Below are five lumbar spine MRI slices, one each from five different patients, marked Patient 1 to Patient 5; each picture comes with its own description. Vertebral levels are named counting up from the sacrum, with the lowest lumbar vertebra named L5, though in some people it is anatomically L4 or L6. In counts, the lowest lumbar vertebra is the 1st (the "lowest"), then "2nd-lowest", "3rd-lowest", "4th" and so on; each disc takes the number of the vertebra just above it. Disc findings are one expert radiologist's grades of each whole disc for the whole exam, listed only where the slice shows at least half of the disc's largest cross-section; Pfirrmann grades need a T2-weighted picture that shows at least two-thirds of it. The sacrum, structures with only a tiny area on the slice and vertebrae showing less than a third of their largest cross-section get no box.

Patient 1 of 5:
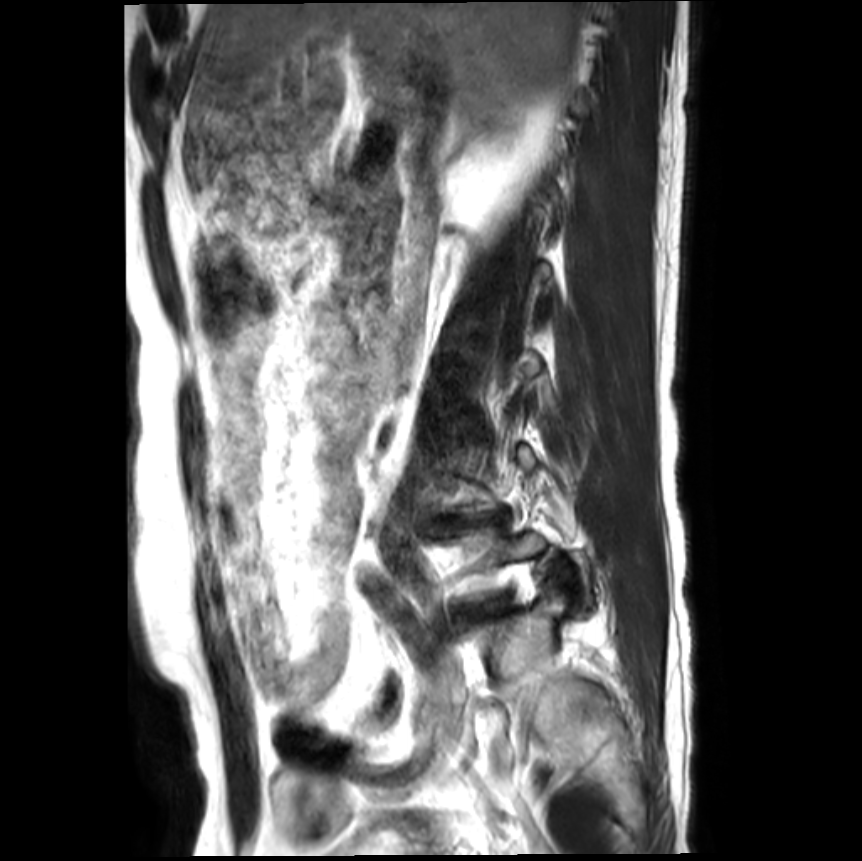 Slice 5 of 20; Lumbar spine MR, T2-weighted, sagittal
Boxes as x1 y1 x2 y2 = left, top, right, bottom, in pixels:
L4/L5 = 447 513 501 528.
L5/S1 = 464 596 508 620.

Patient 2 of 5:
MRI lumbar spine (T2 SPACE (3D)), sagittal plane; 512x640 px; Field of view 240x300 mm
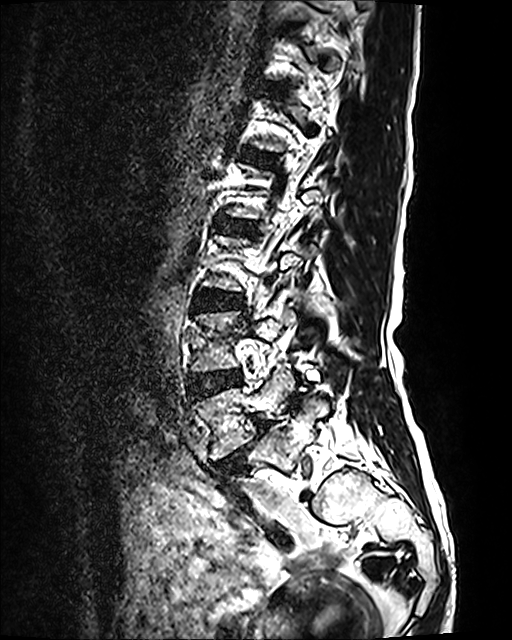

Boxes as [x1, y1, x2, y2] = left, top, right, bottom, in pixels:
L2/L3: [217, 218, 255, 233]
intervertebral disc L4/L5: [188, 370, 240, 398]
L5 vertebra: [193, 366, 319, 459]
intervertebral disc L1/L2: [254, 153, 265, 161]
L3/L4: [199, 289, 240, 309]
L5/S1: [217, 420, 268, 470]
L4: [193, 312, 292, 372]

Radiological gradings:
  L4/L5, L3/L4: no spondylolisthesis, narrowing, bulging, herniation, Modic or endplate change recorded

Patient 3 of 5:
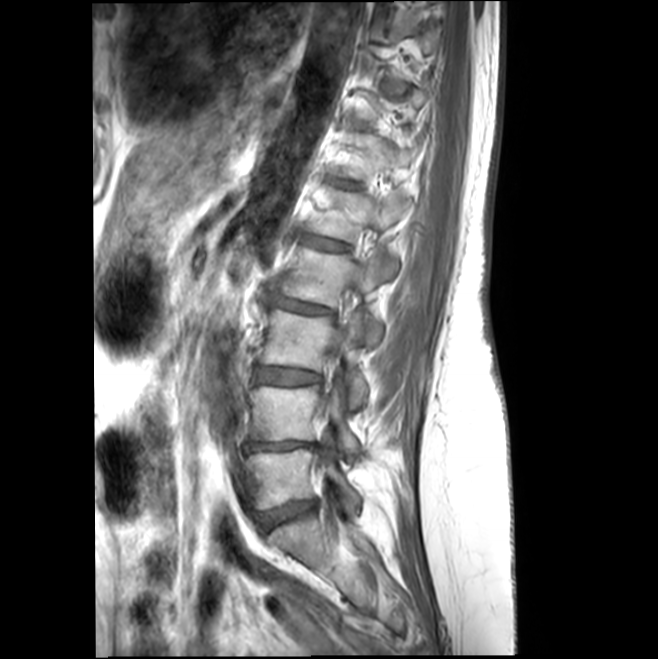
Sagittal T1-weighted lumbar spine MRI; Sagittal slice index 11; Slice spacing 4.4 mm; 658x659 px

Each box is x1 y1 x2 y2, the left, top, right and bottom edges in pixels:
Lowest disc: 256 501 315 532.
Thecal sac / spinal canal: 330 263 362 356.
2nd-lowest disc: 248 441 314 450.
Lowest vertebra: 247 448 359 510.
6th disc: 337 181 355 188.
5th disc: 304 237 346 250.
2nd-lowest vertebra: 250 385 359 458.
4th disc: 274 297 328 313.
3rd-lowest disc: 256 368 320 385.
6th vertebra: 336 131 415 180.
3rd-lowest vertebra: 261 309 367 407.
5th vertebra: 306 187 410 241.
4th vertebra: 283 248 396 345.

Expert MSK radiologist gradings (per disc):
  2nd-lowest disc: disc bulging, Modic type II, upper-endplate change, lower-endplate change
  3rd-lowest disc: Modic type II, disc bulging
  lowest disc: disc bulging
  4th disc: disc bulging
  5th disc: no herniation, bulging, narrowing, spondylolisthesis, endplate or Modic change recorded

Patient 4 of 5:
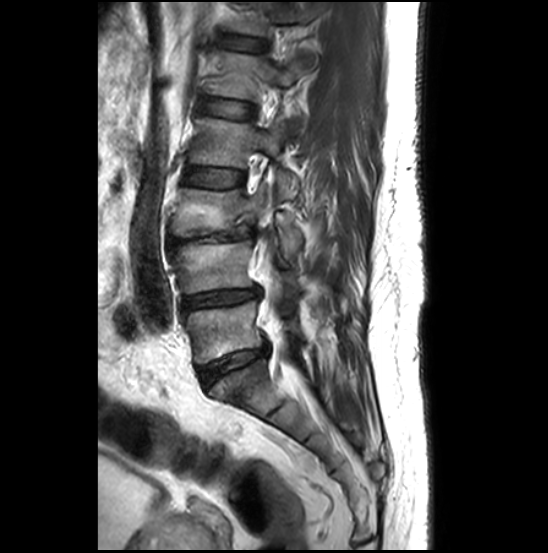

T2-weighted sagittal MRI of the lumbar spine | Field of view 280x282 mm
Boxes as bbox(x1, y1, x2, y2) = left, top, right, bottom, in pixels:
{"T12": "bbox(233, 3, 320, 72)", "L4/L5": "bbox(184, 286, 260, 310)", "L1/L2": "bbox(201, 99, 255, 118)", "L4": "bbox(169, 239, 300, 293)", "L2 vertebra": "bbox(190, 118, 298, 199)", "disc T12/L1": "bbox(223, 37, 267, 51)", "disc L5/S1": "bbox(201, 346, 267, 386)", "L5": "bbox(187, 301, 300, 363)", "L3 vertebra": "bbox(171, 181, 301, 256)", "L2/L3": "bbox(184, 168, 243, 186)", "thecal sac / spinal canal": "bbox(257, 252, 284, 351)", "L1": "bbox(203, 53, 303, 132)", "L3/L4": "bbox(166, 225, 255, 247)"}

Expert MSK radiologist gradings (per disc):
  L4/L5: Pfirrmann grade 3, disc bulging, Modic type II, lower-endplate change, disc narrowing, upper-endplate change
  L5/S1: Pfirrmann grade 3, disc bulging, lower-endplate change, Modic type II, disc narrowing, upper-endplate change
  L2/L3: Pfirrmann grade 2
  L1/L2: Pfirrmann grade 2
  L3/L4: Pfirrmann grade 5, upper-endplate change, disc herniation, lower-endplate change, spondylolisthesis, disc narrowing, Modic type II
  T12/L1: no herniation, bulging, narrowing, spondylolisthesis, endplate or Modic change recorded

Patient 5 of 5:
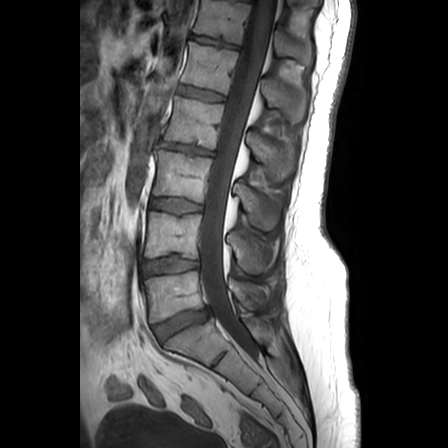 Lumbar spine MR, T1-weighted, sagittal

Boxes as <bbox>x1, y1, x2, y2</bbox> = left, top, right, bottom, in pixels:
L3 — <bbox>152, 150, 280, 229</bbox>.
L5 vertebra — <bbox>143, 270, 269, 322</bbox>.
L2 — <bbox>163, 97, 293, 180</bbox>.
IVD L2/L3 — <bbox>160, 142, 212, 155</bbox>.
IVD L1/L2 — <bbox>178, 85, 223, 101</bbox>.
T12 vertebra — <bbox>194, 0, 312, 65</bbox>.
Thecal sac / spinal canal — <bbox>199, 0, 274, 348</bbox>.
L4/L5 — <bbox>145, 256, 198, 274</bbox>.
T12/L1 — <bbox>192, 34, 237, 48</bbox>.
L4 vertebra — <bbox>145, 212, 272, 272</bbox>.
L1 — <bbox>181, 42, 304, 123</bbox>.
L3/L4 — <bbox>151, 198, 201, 213</bbox>.
L5/S1 — <bbox>153, 309, 209, 341</bbox>.

Radiological gradings:
- T12/L1: upper-endplate change, lower-endplate change
- L4/L5: lower-endplate change
- L5/S1: disc herniation
- L2/L3: upper-endplate change, lower-endplate change, disc narrowing, disc bulging
- L3/L4: upper-endplate change
- L1/L2: no herniation, bulging, narrowing, spondylolisthesis, endplate or Modic change recorded